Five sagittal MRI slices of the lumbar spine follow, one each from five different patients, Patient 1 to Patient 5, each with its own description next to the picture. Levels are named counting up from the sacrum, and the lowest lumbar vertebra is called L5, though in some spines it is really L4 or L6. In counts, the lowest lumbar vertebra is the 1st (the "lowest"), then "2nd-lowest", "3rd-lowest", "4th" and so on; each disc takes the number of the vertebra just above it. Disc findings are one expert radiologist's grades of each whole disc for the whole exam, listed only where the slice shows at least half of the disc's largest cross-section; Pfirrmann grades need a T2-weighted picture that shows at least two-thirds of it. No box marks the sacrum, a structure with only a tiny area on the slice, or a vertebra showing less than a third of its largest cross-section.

Patient 1 of 5:
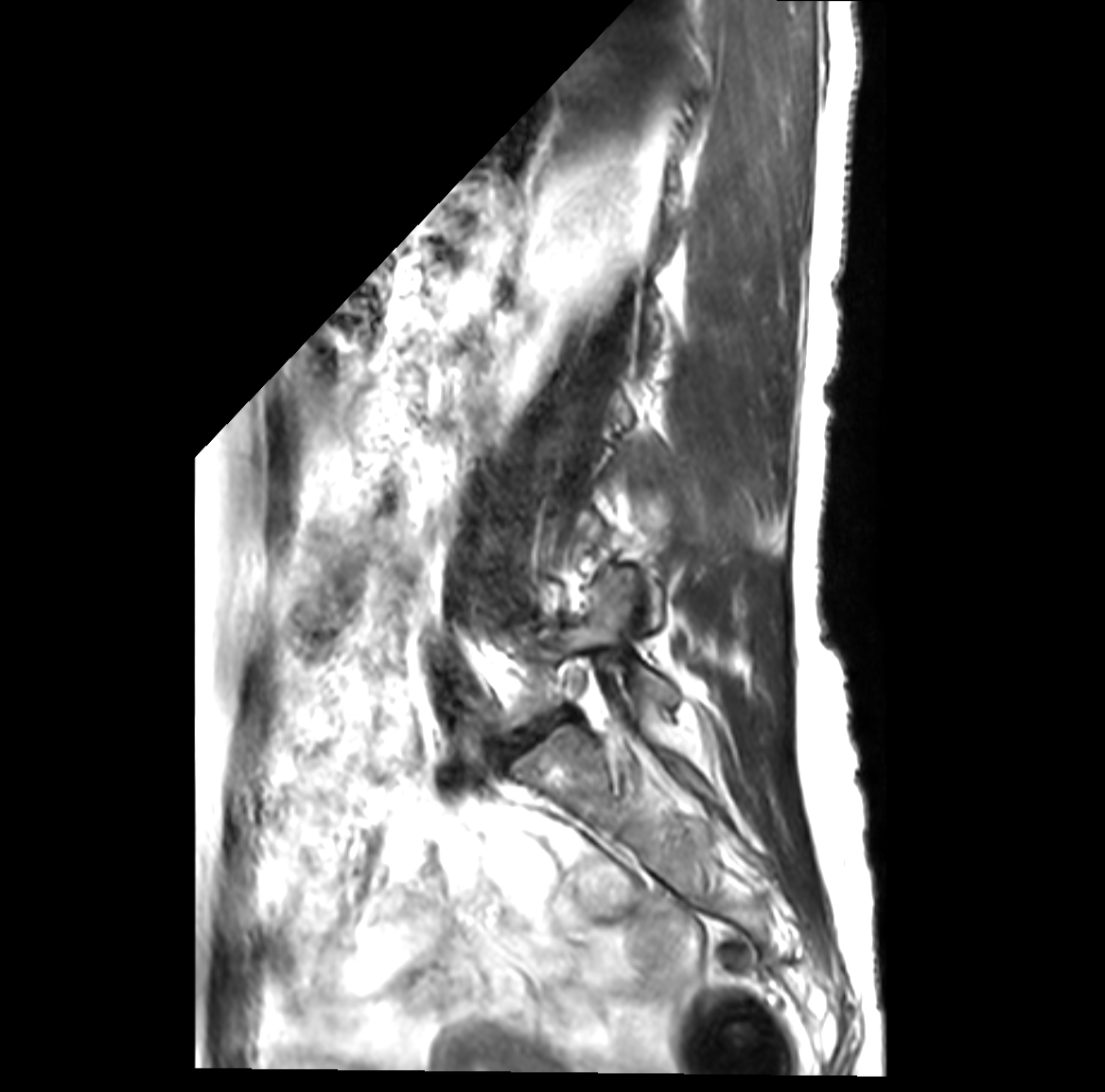 Slice 13/41. MRI lumbar spine (T2-weighted), sagittal plane. Sex F.
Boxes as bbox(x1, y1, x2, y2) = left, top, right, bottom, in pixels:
Structures:
• disc L5/S1 at bbox(508, 717, 553, 750)
• L5 vertebra at bbox(506, 572, 677, 728)

Patient 2 of 5:
MRI lumbar spine (T1-weighted), sagittal plane; Image 509x512 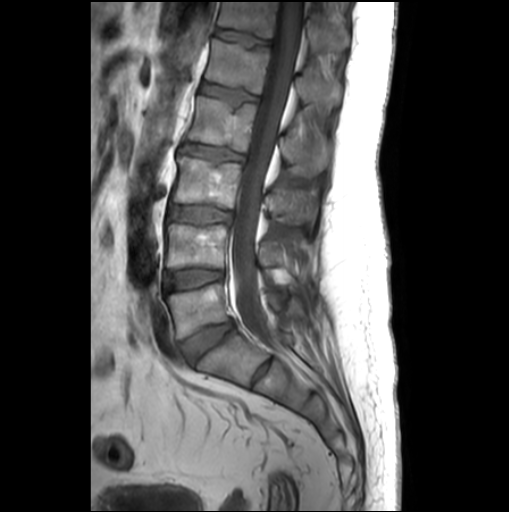

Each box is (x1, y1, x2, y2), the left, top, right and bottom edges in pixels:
L2/L3: (182, 143, 244, 160).
L1/L2: (201, 82, 258, 105).
L3: (173, 156, 310, 223).
L3/L4: (169, 205, 232, 223).
Intervertebral disc L5/S1: (182, 320, 233, 362).
T12/L1: (216, 29, 268, 44).
L4/L5: (166, 268, 223, 290).
Thecal sac / spinal canal: (232, 2, 302, 332).
L4: (167, 224, 294, 271).
L2 vertebra: (188, 95, 331, 175).
L5: (166, 283, 304, 338).
T12: (218, 2, 349, 52).
L1 vertebra: (206, 39, 340, 110).

Per-level radiological findings:
- L2/L3: lower-endplate change, upper-endplate change, disc bulging
- L1/L2: upper-endplate change, lower-endplate change
- L5/S1: disc bulging
- L3/L4, T12/L1, L4/L5: no herniation, bulging, narrowing, spondylolisthesis, endplate or Modic change recorded

Patient 3 of 5:
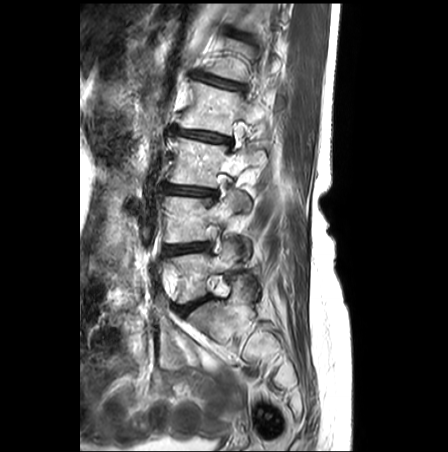 448x452 px | Sagittal T2-weighted lumbar spine MRI
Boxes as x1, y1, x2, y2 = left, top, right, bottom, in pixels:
{"L3 (3rd-lowest vertebra)": "170, 137, 264, 187", "L2 (4th vertebra)": "179, 81, 267, 135", "intervertebral disc L4/L5 (2nd-lowest disc)": "165, 243, 208, 254", "L4 (2nd-lowest vertebra)": "165, 191, 251, 260", "L2/L3 (4th disc)": "176, 129, 230, 142", "intervertebral disc L5/S1 (lowest disc)": "177, 295, 210, 313", "L5 (lowest vertebra)": "168, 239, 239, 303", "L3/L4 (3rd-lowest disc)": "165, 184, 216, 196", "intervertebral disc L1/L2 (5th disc)": "197, 73, 242, 89"}

Radiological gradings:
  L4/L5 (2nd-lowest disc): disc bulging, lower-endplate change, disc narrowing, upper-endplate change, Modic type II
  L2/L3 (4th disc): Pfirrmann grade 3, disc bulging, lower-endplate change, disc narrowing, Modic type II, upper-endplate change
  L3/L4 (3rd-lowest disc): Pfirrmann grade 3, lower-endplate change, disc narrowing, disc bulging, Modic type II, upper-endplate change
  L1/L2 (5th disc): Pfirrmann grade 3, lower-endplate change, upper-endplate change, disc bulging

Patient 4 of 5:
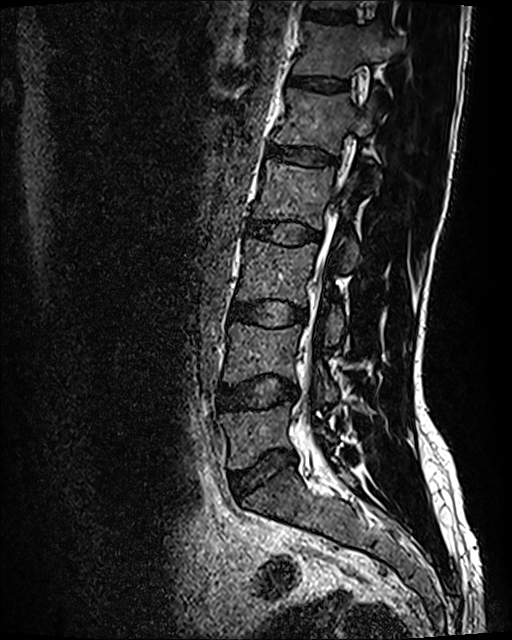

512x640 px. Patient sex: M. Sagittal slice index 45. MRI lumbar spine (T2 SPACE (3D)), sagittal plane.

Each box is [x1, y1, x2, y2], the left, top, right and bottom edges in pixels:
L5/S1 at [229, 451, 296, 498], L5 at [220, 402, 335, 469], IVD L3/L4 at [230, 301, 305, 327], L4 at [224, 323, 337, 401], L2 at [253, 159, 359, 272], L1 at [273, 88, 376, 177], IVD L4/L5 at [219, 377, 297, 409], IVD T11/T12 at [305, 8, 353, 23], IVD L2/L3 at [245, 218, 320, 245], T12 vertebra at [293, 21, 403, 77], IVD T12/L1 at [290, 76, 346, 90], L3 at [237, 238, 344, 344], L1/L2 at [268, 143, 336, 166], thecal sac / spinal canal at [303, 272, 321, 444].

Expert MSK radiologist gradings (per disc):
  L1/L2: Pfirrmann grade 2
  L3/L4: Pfirrmann grade 2, disc bulging
  L2/L3: Pfirrmann grade 2
  T12/L1: Pfirrmann grade 2
  L5/S1: Pfirrmann grade 2, disc bulging
  L4/L5: Pfirrmann grade 2, disc bulging
  T11/T12: no Modic or endplate change, herniation, narrowing, bulging or spondylolisthesis recorded

Patient 5 of 5:
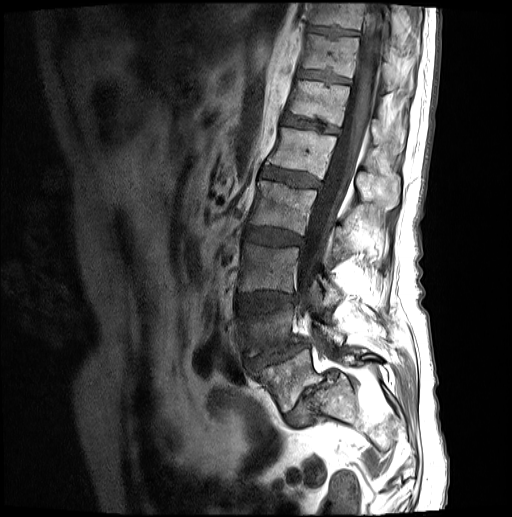
Patient sex: M; Sagittal slice index 10; MRI lumbar spine (T1-weighted), sagittal plane

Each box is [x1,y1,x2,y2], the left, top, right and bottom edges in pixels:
IVD T10/T11 (8th disc): [307,25,359,36].
IVD L5/S1 (lowest disc): [285,370,335,426].
L4/L5 (2nd-lowest disc): [245,341,308,368].
L3 (3rd-lowest vertebra): [239,242,341,307].
L2 (4th vertebra): [250,180,353,258].
T11/T12 (7th disc): [297,70,349,84].
L3/L4 (3rd-lowest disc): [237,292,296,310].
IVD L1/L2 (5th disc): [262,167,319,187].
T12 (6th vertebra): [289,81,405,154].
IVD T12/L1 (6th disc): [283,115,338,133].
L5 (lowest vertebra): [252,349,381,412].
T11 (7th vertebra): [302,34,413,92].
L1 (5th vertebra): [266,127,401,209].
Spinal canal: [297,3,383,315].
L4 (2nd-lowest vertebra): [239,303,344,356].
T10 (8th vertebra): [308,3,395,35].
IVD L2/L3 (4th disc): [245,227,302,245].

Per-level radiological findings:
  L3/L4 (3rd-lowest disc): lower-endplate change, upper-endplate change, disc bulging
  L2/L3 (4th disc): disc bulging
  L5/S1 (lowest disc): disc herniation, disc narrowing, spondylolisthesis, Modic type II
  L4/L5 (2nd-lowest disc): upper-endplate change, lower-endplate change, spondylolisthesis, disc narrowing, disc herniation
  T12/L1 (6th disc), L1/L2 (5th disc), T11/T12 (7th disc), T10/T11 (8th disc): no spondylolisthesis, narrowing, bulging, herniation, Modic or endplate change recorded